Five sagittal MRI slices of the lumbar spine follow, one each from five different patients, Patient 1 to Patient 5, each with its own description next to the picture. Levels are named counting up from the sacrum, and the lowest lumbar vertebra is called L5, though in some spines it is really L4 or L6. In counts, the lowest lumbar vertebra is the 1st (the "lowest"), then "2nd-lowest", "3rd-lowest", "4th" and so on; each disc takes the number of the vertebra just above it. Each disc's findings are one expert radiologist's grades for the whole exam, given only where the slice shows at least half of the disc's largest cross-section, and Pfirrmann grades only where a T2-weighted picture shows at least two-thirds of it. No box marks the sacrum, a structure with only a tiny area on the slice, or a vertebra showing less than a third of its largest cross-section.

Patient 1 of 5:
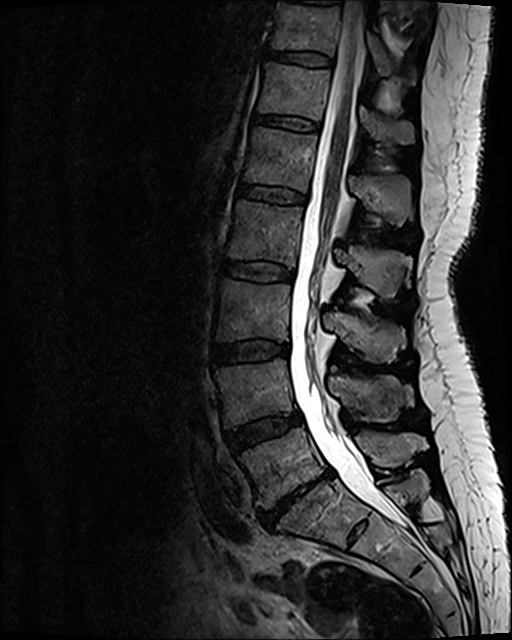 Field of view 240x300 mm, Lumbar spine MR, T2 SPACE (3D), sagittal, 512x640 px

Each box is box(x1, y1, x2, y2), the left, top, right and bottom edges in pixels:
Intervertebral disc L1/L2: box(238, 184, 305, 204).
L2/L3: box(219, 260, 293, 280).
Intervertebral disc T12/L1: box(254, 115, 318, 131).
L5: box(240, 427, 426, 508).
L4: box(216, 358, 413, 426).
Spinal canal: box(290, 1, 405, 524).
L1: box(244, 128, 411, 226).
Intervertebral disc L3/L4: box(212, 340, 288, 364).
T12 vertebra: box(259, 63, 413, 143).
L3 vertebra: box(216, 281, 404, 362).
L5/S1: box(257, 470, 331, 526).
T11: box(272, 3, 413, 82).
Intervertebral disc L4/L5: box(226, 412, 301, 451).
L2 vertebra: box(227, 201, 404, 301).
T11/T12: box(267, 51, 330, 65).

Per-level radiological findings:
- L4/L5: Pfirrmann grade 3, disc bulging
- L3/L4: Pfirrmann grade 2, disc bulging
- L2/L3: Pfirrmann grade 2
- L1/L2: Pfirrmann grade 2
- L5/S1: Pfirrmann grade 5, disc bulging, upper-endplate change, Modic type III, disc narrowing, disc herniation, lower-endplate change
- T11/T12: Pfirrmann grade 2
- T12/L1: Pfirrmann grade 2

Patient 2 of 5:
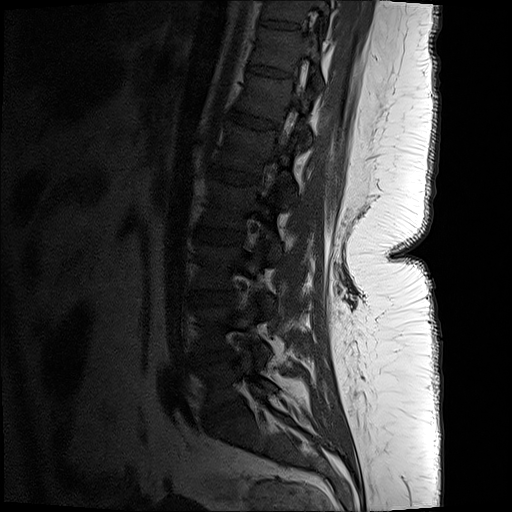
512x512 px; T1-weighted sagittal MRI of the lumbar spine

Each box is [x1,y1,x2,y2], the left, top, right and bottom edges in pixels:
Intervertebral disc T10/T11: [263,19,299,29].
T10: [263,0,331,21].
L2/L3: [195,226,245,244].
T12 vertebra: [237,72,312,144].
L4/L5: [194,350,235,364].
L2 vertebra: [203,179,283,258].
Intervertebral disc L5/S1: [206,398,244,425].
L1/L2: [205,166,260,184].
Intervertebral disc T11/T12: [248,62,292,76].
L3 vertebra: [195,244,276,310].
L1 vertebra: [217,121,298,206].
Intervertebral disc T12/L1: [227,108,277,128].
T11 vertebra: [254,26,318,68].
L5: [202,347,278,409].
Intervertebral disc L3/L4: [192,290,234,305].
L4: [197,305,270,364].

Radiological gradings:
  L5/S1: disc bulging, disc narrowing
  L1/L2, T11/T12, L2/L3, L3/L4, T12/L1, T10/T11: no herniation, bulging, narrowing, spondylolisthesis, endplate or Modic change recorded

Patient 3 of 5:
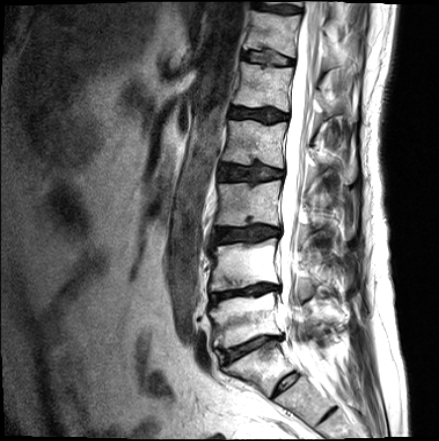

439x441 px. Sagittal T2-weighted lumbar spine MRI. Slice spacing 4.4 mm.
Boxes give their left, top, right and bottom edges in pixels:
T12 at left=244, top=10, right=360, bottom=68; T12/L1 at left=243, top=51, right=293, bottom=64; intervertebral disc L5/S1 at left=219, top=336, right=282, bottom=365; thecal sac / spinal canal at left=279, top=1, right=322, bottom=372; L4 at left=210, top=238, right=315, bottom=297; L2/L3 at left=220, top=164, right=283, bottom=181; T11/T12 at left=253, top=2, right=299, bottom=13; L1/L2 at left=231, top=106, right=286, bottom=123; L1 at left=234, top=62, right=356, bottom=119; L3/L4 at left=211, top=226, right=279, bottom=243; L2 vertebra at left=224, top=120, right=357, bottom=180; L5 at left=210, top=292, right=306, bottom=347; intervertebral disc L4/L5 at left=210, top=284, right=277, bottom=304; L3 vertebra at left=215, top=180, right=318, bottom=225.

Degenerative findings by level:
- L4/L5: Pfirrmann grade 5, upper-endplate change, Modic type II, disc narrowing, disc bulging, lower-endplate change
- L2/L3: Pfirrmann grade 3, upper-endplate change, lower-endplate change
- T12/L1: Pfirrmann grade 2, lower-endplate change, upper-endplate change
- L5/S1: Pfirrmann grade 4, disc narrowing, lower-endplate change, upper-endplate change, disc bulging, Modic type II
- L3/L4: Pfirrmann grade 3, lower-endplate change, disc bulging, upper-endplate change
- T11/T12: Pfirrmann grade 3
- L1/L2: Pfirrmann grade 3, upper-endplate change, lower-endplate change

Patient 4 of 5:
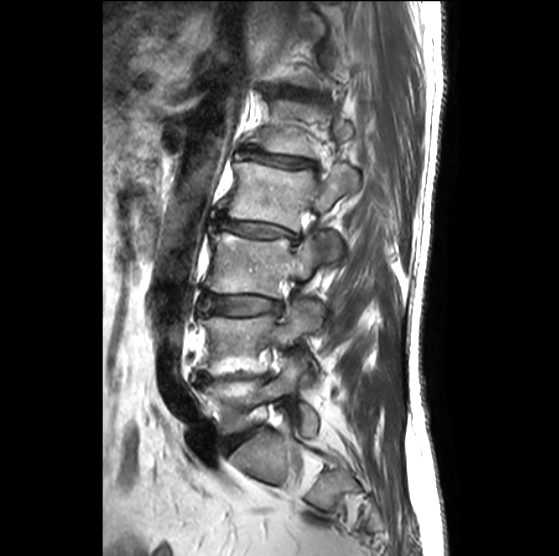 T2-weighted sagittal MRI of the lumbar spine | Image 559x556
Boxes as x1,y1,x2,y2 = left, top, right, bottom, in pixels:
{"3rd-lowest vertebra": "207,227,320,297", "5th disc": "241,150,315,168", "4th vertebra": "220,161,358,259", "6th disc": "290,90,318,99", "2nd-lowest disc": "197,374,268,382", "3rd-lowest disc": "202,293,281,315", "4th disc": "217,216,297,243", "lowest vertebra": "201,359,317,436", "lowest disc": "224,428,255,450", "2nd-lowest vertebra": "198,301,322,387", "5th vertebra": "250,100,353,157"}

Degenerative findings by level:
• 5th disc: Pfirrmann grade 3, disc narrowing, Modic type III, upper-endplate change, disc bulging, lower-endplate change
• 3rd-lowest disc: Pfirrmann grade 2, disc bulging
• 2nd-lowest disc: upper-endplate change, Modic type II, disc narrowing, lower-endplate change
• 4th disc: Pfirrmann grade 3, disc narrowing, disc bulging, upper-endplate change, lower-endplate change, Modic type II

Patient 5 of 5:
Image 483x486; MRI lumbar spine (T2-weighted), sagittal plane 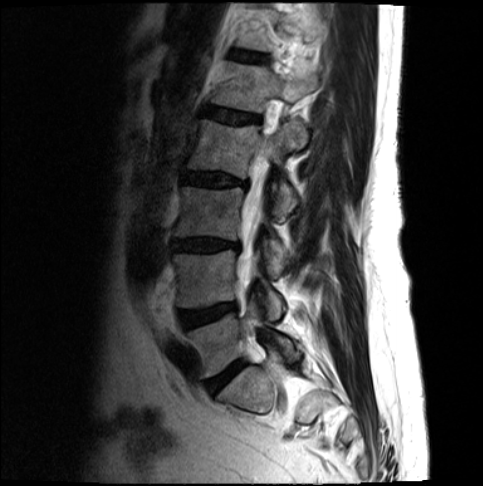
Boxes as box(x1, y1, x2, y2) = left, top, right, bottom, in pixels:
Segmented structures:
* L2 vertebra = box(185, 119, 306, 216)
* L5 vertebra = box(187, 298, 302, 376)
* spinal canal = box(241, 196, 255, 270)
* intervertebral disc L2/L3 = box(182, 173, 248, 188)
* L4/L5 = box(180, 302, 235, 327)
* L5/S1 = box(210, 362, 242, 391)
* L3 = box(175, 186, 286, 276)
* L1/L2 = box(204, 108, 257, 123)
* intervertebral disc T12/L1 = box(232, 53, 263, 63)
* L4 vertebra = box(172, 249, 283, 320)
* L1 vertebra = box(211, 62, 317, 112)
* L3/L4 = box(172, 238, 240, 251)

Degenerative findings by level:
• L4/L5: disc bulging
• L3/L4: Pfirrmann grade 4, disc narrowing, disc bulging
• L1/L2: Pfirrmann grade 3, disc bulging
• L2/L3: Pfirrmann grade 4, disc bulging